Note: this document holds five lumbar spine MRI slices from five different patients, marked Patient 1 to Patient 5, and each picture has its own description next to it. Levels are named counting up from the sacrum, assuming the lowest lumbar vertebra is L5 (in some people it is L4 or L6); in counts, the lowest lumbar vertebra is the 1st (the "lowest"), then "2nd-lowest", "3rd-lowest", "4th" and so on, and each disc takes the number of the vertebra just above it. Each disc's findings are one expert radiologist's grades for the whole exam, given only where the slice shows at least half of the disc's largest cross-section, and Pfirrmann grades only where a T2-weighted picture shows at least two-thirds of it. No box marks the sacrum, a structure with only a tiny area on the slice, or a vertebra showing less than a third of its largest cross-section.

Patient 1 of 5:
Sagittal T2 SPACE (3D) lumbar spine MRI, Patient sex: M, Sagittal slice index 38 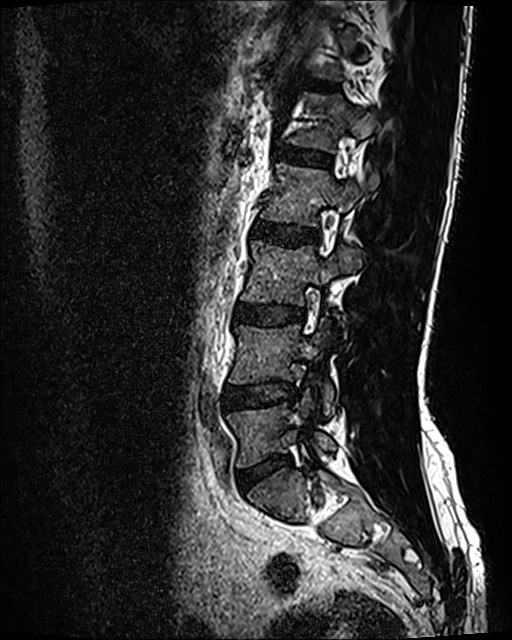
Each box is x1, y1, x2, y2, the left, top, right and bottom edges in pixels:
Annotations:
* L2 vertebra — 260, 162, 379, 227
* intervertebral disc L1/L2 — 276, 147, 330, 165
* L5 vertebra — 227, 390, 334, 467
* intervertebral disc L3/L4 — 234, 304, 305, 326
* intervertebral disc L5/S1 — 239, 456, 289, 490
* intervertebral disc L4/L5 — 225, 379, 295, 410
* intervertebral disc L2/L3 — 254, 221, 318, 244
* L1 vertebra — 289, 93, 377, 152
* L3 vertebra — 241, 240, 363, 336
* L4 vertebra — 229, 323, 333, 414
* intervertebral disc T12/L1 — 312, 81, 334, 88

Per-level radiological findings:
• L4/L5: Pfirrmann grade 2, disc bulging
• L3/L4: Pfirrmann grade 2, disc bulging
• L2/L3: Pfirrmann grade 2
• L1/L2: no herniation, bulging, narrowing, spondylolisthesis, endplate or Modic change recorded

Patient 2 of 5:
Sagittal T2-weighted lumbar spine MRI | Scanner: Philips Healthcare Ingenia (3T)
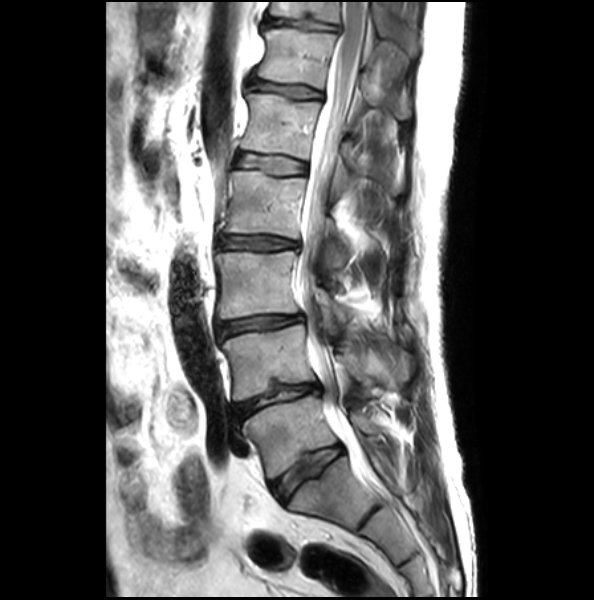 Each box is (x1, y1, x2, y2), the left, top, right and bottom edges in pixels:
intervertebral disc L3/L4: (216, 314, 301, 336) | T11/T12: (265, 19, 338, 30) | L1: (241, 94, 401, 192) | L2: (224, 171, 381, 267) | spinal canal: (296, 3, 370, 475) | L5: (243, 395, 382, 478) | L1/L2: (237, 153, 305, 174) | intervertebral disc L5/S1: (270, 445, 342, 501) | intervertebral disc L2/L3: (219, 236, 297, 249) | L4 vertebra: (221, 324, 413, 401) | T12/L1: (249, 81, 320, 99) | L3 vertebra: (216, 252, 348, 334) | T11 vertebra: (270, 3, 417, 53) | L4/L5: (232, 383, 319, 421) | T12 vertebra: (255, 29, 410, 118)

Radiological gradings:
  L4/L5: Pfirrmann grade 2, disc narrowing, lower-endplate change, disc bulging
  L2/L3: Pfirrmann grade 2, disc narrowing, disc bulging
  L3/L4: Pfirrmann grade 2, disc bulging, disc narrowing
  T11/T12: Pfirrmann grade 1, lower-endplate change, disc bulging, upper-endplate change
  T12/L1: Pfirrmann grade 2, disc bulging, upper-endplate change
  L5/S1: Pfirrmann grade 1, lower-endplate change, upper-endplate change
  L1/L2: Pfirrmann grade 1, upper-endplate change

Patient 3 of 5:
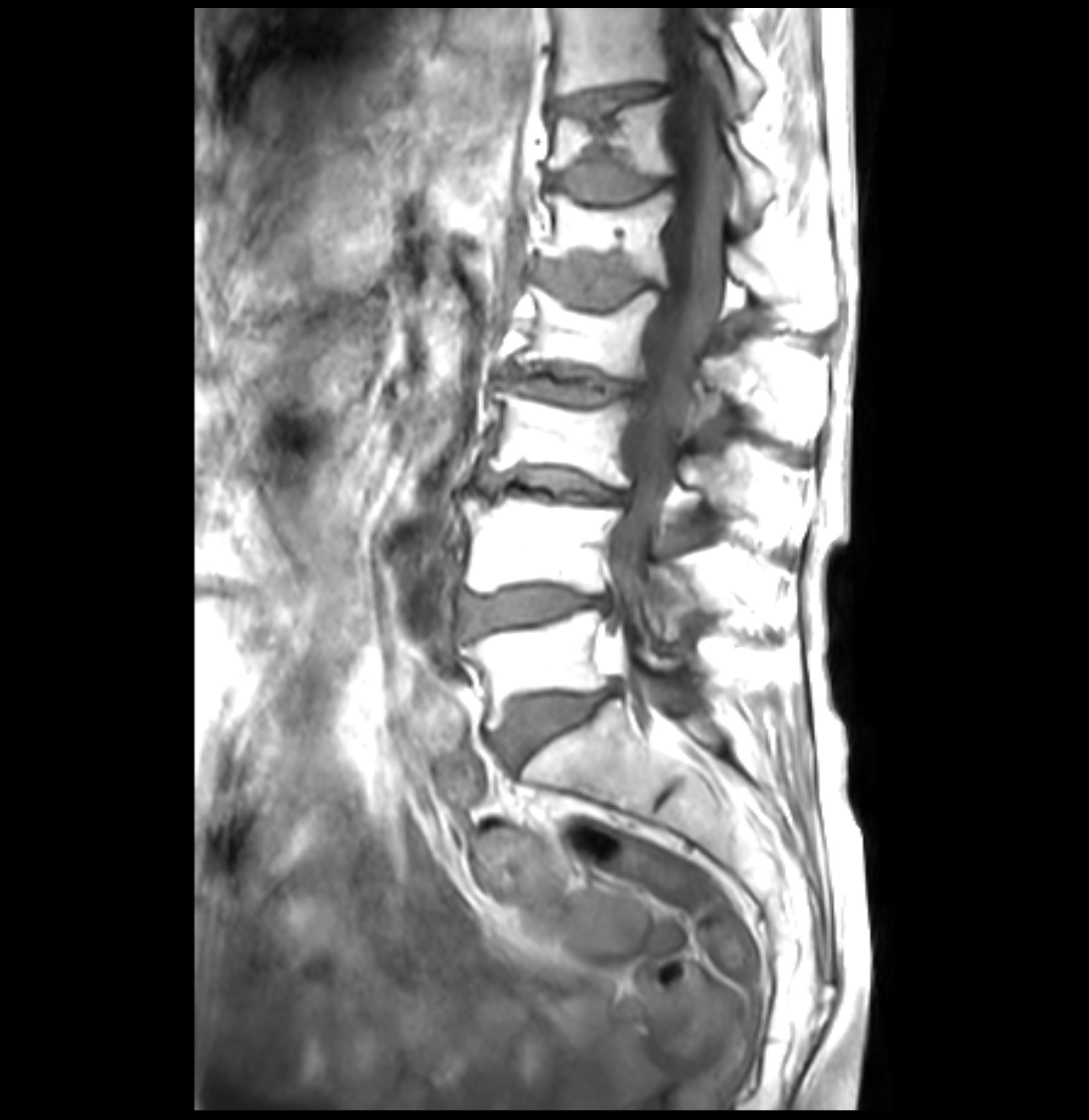

Slice 18/36. Sagittal T1-weighted lumbar spine MRI. Patient sex: F.
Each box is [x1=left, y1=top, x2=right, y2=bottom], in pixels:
L1 at [x1=540, y1=190, x2=833, y2=330] | thecal sac / spinal canal at [x1=608, y1=15, x2=734, y2=674] | L4 at [x1=459, y1=491, x2=773, y2=637] | L5/S1 at [x1=496, y1=688, x2=615, y2=767] | IVD L4/L5 at [x1=462, y1=586, x2=610, y2=634] | T11 vertebra at [x1=554, y1=5, x2=763, y2=111] | T12/L1 at [x1=547, y1=166, x2=673, y2=204] | L2/L3 at [x1=508, y1=368, x2=649, y2=402] | IVD L3/L4 at [x1=479, y1=470, x2=622, y2=502] | L2 vertebra at [x1=518, y1=286, x2=829, y2=443] | L3 at [x1=484, y1=386, x2=804, y2=525] | L5 at [x1=462, y1=609, x2=683, y2=729] | IVD L1/L2 at [x1=535, y1=256, x2=668, y2=306] | T12 at [x1=547, y1=96, x2=778, y2=217] | IVD T11/T12 at [x1=552, y1=83, x2=663, y2=120]

Radiological gradings:
• L3/L4: disc bulging, lower-endplate change, disc narrowing, Modic type II, upper-endplate change
• L5/S1: disc bulging, lower-endplate change, Modic type II, upper-endplate change
• T12/L1: lower-endplate change, Modic type II, upper-endplate change
• L4/L5: lower-endplate change, Modic type II, upper-endplate change, disc bulging
• T11/T12: lower-endplate change, Modic type II, upper-endplate change
• L1/L2: upper-endplate change, Modic type II, disc bulging, lower-endplate change
• L2/L3: disc bulging, upper-endplate change, Modic type II, disc narrowing, lower-endplate change

Patient 4 of 5:
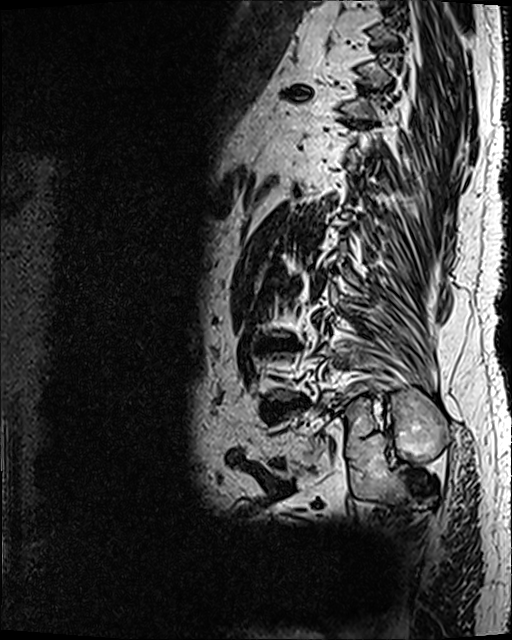 Patient sex: M; 512x640 px; Field of view 240x300 mm; Sagittal T2 SPACE (3D) lumbar spine MRI
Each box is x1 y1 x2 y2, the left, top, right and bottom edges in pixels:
T10/T11 at 287 85 310 99, L3/L4 at 260 337 298 350, L4/L5 at 261 396 310 424.

Patient 5 of 5:
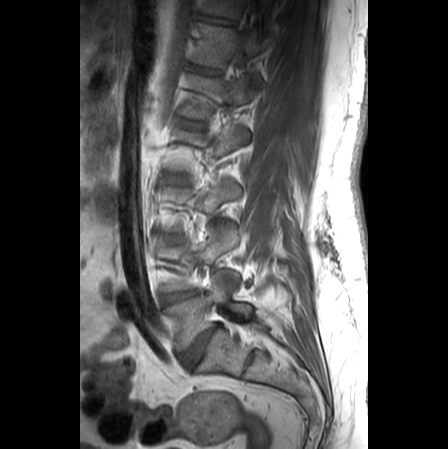 Slice 8/25 | Patient sex: M | MRI lumbar spine (T1-weighted), sagittal plane | Image 448x449

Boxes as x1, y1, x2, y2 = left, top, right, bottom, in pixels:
Annotations:
- L4/L5 — 163, 291, 195, 303
- L1 vertebra — 183, 74, 256, 119
- L5 vertebra — 164, 272, 252, 351
- T12/L1 — 192, 65, 218, 74
- disc L2/L3 — 168, 174, 183, 183
- L3/L4 — 167, 235, 179, 242
- T11 vertebra — 203, 0, 243, 17
- disc T11/T12 — 201, 15, 231, 26
- L1/L2 — 180, 121, 204, 128
- L4 — 161, 228, 238, 291
- disc L5/S1 — 181, 324, 219, 366
- T12 vertebra — 194, 23, 264, 75

Per-level radiological findings:
  L5/S1: disc narrowing, Modic type II, disc bulging
  T11/T12: no spondylolisthesis, narrowing, bulging, herniation, Modic or endplate change recorded